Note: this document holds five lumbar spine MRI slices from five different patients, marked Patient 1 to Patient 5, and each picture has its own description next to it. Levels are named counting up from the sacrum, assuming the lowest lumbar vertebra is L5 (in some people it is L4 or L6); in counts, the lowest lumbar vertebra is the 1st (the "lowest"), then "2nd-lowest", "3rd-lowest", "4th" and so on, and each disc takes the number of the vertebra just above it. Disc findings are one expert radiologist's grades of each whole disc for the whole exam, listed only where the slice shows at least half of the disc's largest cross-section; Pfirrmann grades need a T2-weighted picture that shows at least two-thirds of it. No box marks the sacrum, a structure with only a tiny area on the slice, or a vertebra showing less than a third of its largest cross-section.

Patient 1 of 5:
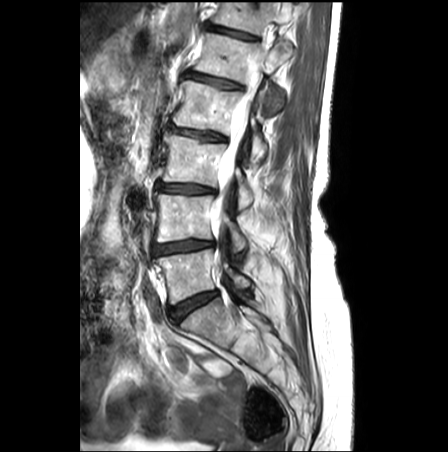
Lumbar spine MR, T2-weighted, sagittal.

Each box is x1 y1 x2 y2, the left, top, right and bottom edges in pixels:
L1 vertebra: 194 33 291 114.
L2 vertebra: 173 80 266 162.
T12 vertebra: 213 2 294 34.
Thecal sac / spinal canal: 212 50 265 228.
T12/L1: 207 24 255 39.
L5/S1: 169 291 217 321.
L2/L3: 170 126 225 141.
L5 vertebra: 157 242 250 304.
L3: 163 132 253 209.
L4/L5: 153 240 213 254.
L1/L2: 185 71 240 89.
L4 vertebra: 154 192 246 251.
L3/L4: 156 182 214 193.

Degenerative findings by level:
• L4/L5: Pfirrmann grade 3, disc bulging, Modic type II, lower-endplate change, disc narrowing, upper-endplate change
• L2/L3: Pfirrmann grade 3, disc narrowing, upper-endplate change, lower-endplate change, disc bulging, Modic type II
• L3/L4: Pfirrmann grade 3, disc bulging, Modic type II, lower-endplate change, disc narrowing, upper-endplate change
• T12/L1: Pfirrmann grade 3, lower-endplate change, upper-endplate change
• L5/S1: Pfirrmann grade 3
• L1/L2: Pfirrmann grade 3, disc bulging, upper-endplate change, lower-endplate change

Patient 2 of 5:
Sagittal T1-weighted lumbar spine MRI | Sagittal slice index 15 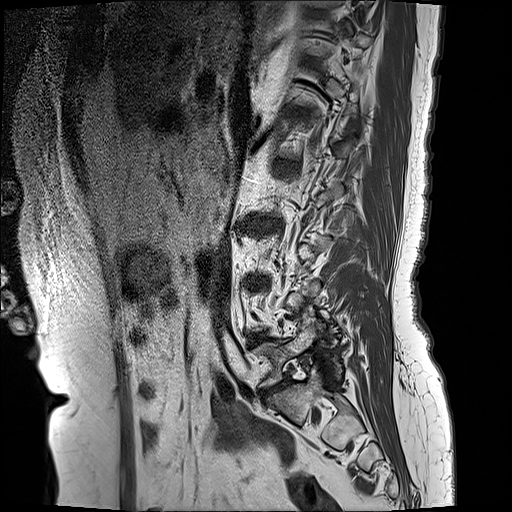

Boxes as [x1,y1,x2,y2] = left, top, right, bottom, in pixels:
L5 (lowest vertebra): [259,325,322,386]
disc T10/T11 (8th disc): [311,10,327,16]
disc L5/S1 (lowest disc): [263,379,288,396]
L1/L2 (5th disc): [278,161,293,170]

Patient 3 of 5:
Field of view 300x300 mm, slice spacing 3.3 mm; Lumbar spine MR, T1-weighted, sagittal; 512x512 px; Sex M
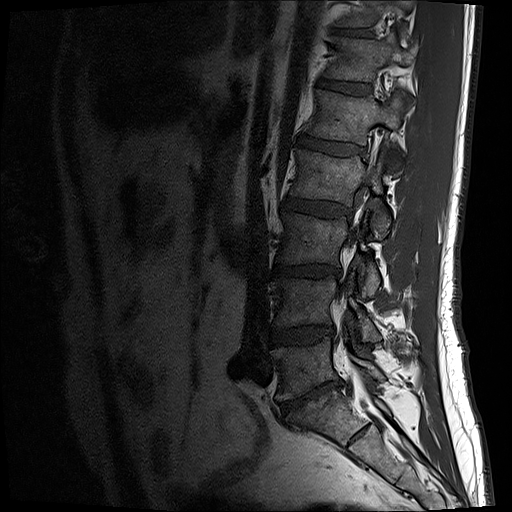

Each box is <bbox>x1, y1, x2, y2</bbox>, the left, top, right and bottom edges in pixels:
4th vertebra — <bbox>290, 150, 390, 238</bbox>.
5th disc — <bbox>298, 136, 365, 155</bbox>.
4th disc — <bbox>283, 198, 350, 217</bbox>.
2nd-lowest vertebra — <bbox>272, 277, 379, 341</bbox>.
3rd-lowest disc — <bbox>272, 265, 340, 277</bbox>.
Lowest disc — <bbox>282, 379, 341, 412</bbox>.
2nd-lowest disc — <bbox>270, 326, 333, 344</bbox>.
6th vertebra — <bbox>326, 38, 417, 81</bbox>.
6th disc — <bbox>320, 79, 371, 94</bbox>.
Lowest vertebra — <bbox>271, 338, 383, 401</bbox>.
7th disc — <bbox>338, 27, 369, 37</bbox>.
3rd-lowest vertebra — <bbox>278, 213, 379, 297</bbox>.
5th vertebra — <bbox>307, 90, 410, 145</bbox>.

Radiological gradings:
• lowest disc: Modic type II, disc narrowing, disc bulging
• 2nd-lowest disc: disc narrowing, disc bulging
• 3rd-lowest disc: disc narrowing, disc bulging, lower-endplate change
• 4th disc: disc bulging
• 5th disc, 6th disc: no spondylolisthesis, narrowing, bulging, herniation, Modic or endplate change recorded

Patient 4 of 5:
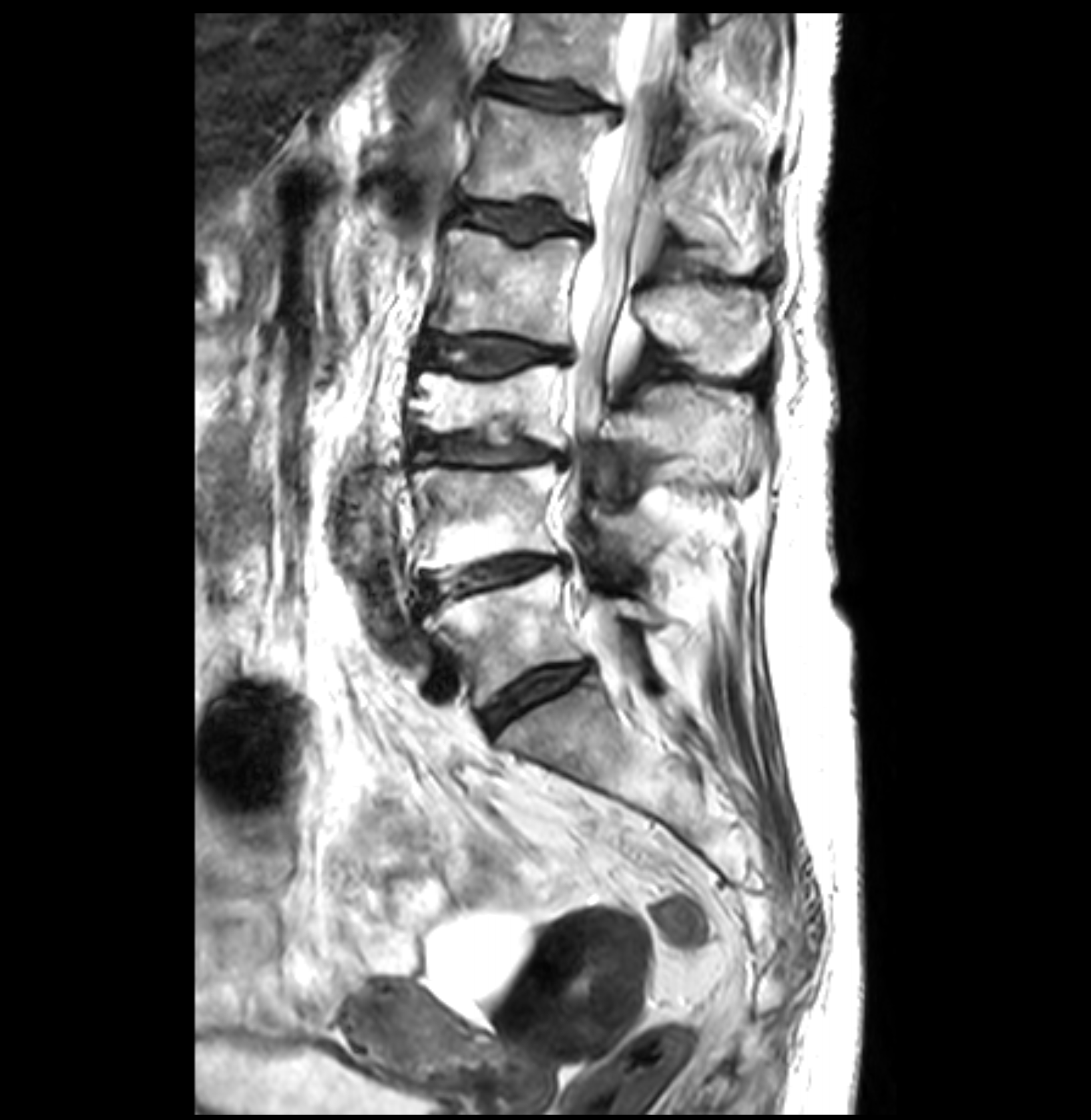
T2-weighted sagittal MRI of the lumbar spine

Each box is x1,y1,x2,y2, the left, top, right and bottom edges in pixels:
{"6th vertebra": "501,13,779,144", "lowest vertebra": "424,566,662,708", "4th disc": "421,336,570,373", "2nd-lowest vertebra": "411,462,660,574", "2nd-lowest disc": "419,556,570,608", "6th disc": "480,67,623,118", "4th vertebra": "429,228,771,375", "3rd-lowest disc": "414,419,562,465", "5th disc": "458,203,591,240", "5th vertebra": "463,98,759,274", "lowest disc": "482,662,589,731", "thecal sac / spinal canal": "560,13,676,520", "3rd-lowest vertebra": "409,364,756,474"}

Radiological gradings:
  3rd-lowest disc: Pfirrmann grade 3, disc narrowing, Modic type II, disc bulging, upper-endplate change
  5th disc: Pfirrmann grade 3, lower-endplate change, upper-endplate change
  lowest disc: Pfirrmann grade 3, disc bulging
  4th disc: Pfirrmann grade 3, Modic type II, disc bulging
  2nd-lowest disc: Pfirrmann grade 3, disc bulging, disc narrowing, Modic type II
  6th disc: Pfirrmann grade 3, upper-endplate change, disc bulging

Patient 5 of 5:
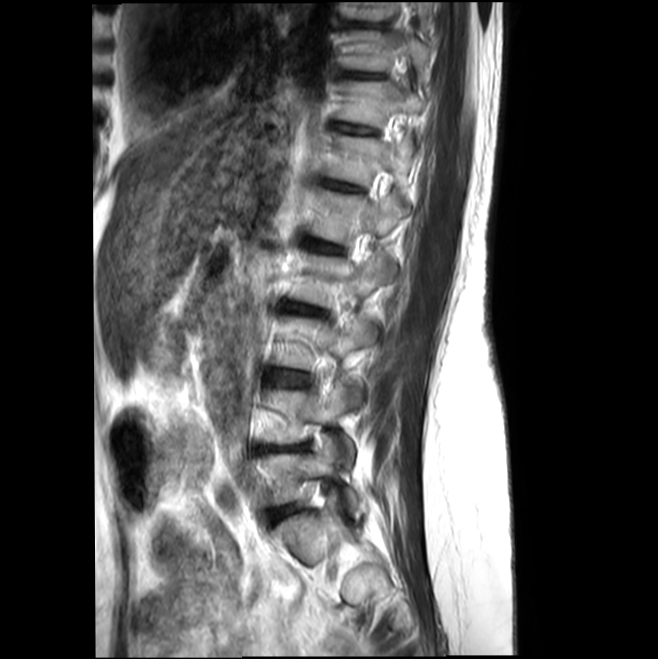 Sagittal T2-weighted lumbar spine MRI

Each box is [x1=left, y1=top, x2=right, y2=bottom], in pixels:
Annotations:
- 7th disc = [x1=337, y1=125, x2=379, y2=135]
- 9th vertebra = [x1=342, y1=2, x2=433, y2=29]
- 9th disc = [x1=347, y1=21, x2=386, y2=28]
- 4th vertebra = [x1=296, y1=251, x2=396, y2=305]
- 3rd-lowest disc = [x1=268, y1=369, x2=308, y2=386]
- 5th disc = [x1=308, y1=240, x2=343, y2=253]
- 2nd-lowest vertebra = [x1=263, y1=379, x2=359, y2=462]
- 6th disc = [x1=329, y1=182, x2=365, y2=191]
- lowest disc = [x1=273, y1=507, x2=294, y2=520]
- 4th disc = [x1=282, y1=303, x2=326, y2=314]
- 2nd-lowest disc = [x1=260, y1=442, x2=308, y2=450]
- 7th vertebra = [x1=337, y1=81, x2=424, y2=127]
- 8th disc = [x1=347, y1=72, x2=381, y2=78]
- 5th vertebra = [x1=312, y1=191, x2=409, y2=243]
- 6th vertebra = [x1=328, y1=134, x2=413, y2=185]
- 8th vertebra = [x1=346, y1=30, x2=429, y2=84]
- lowest vertebra = [x1=260, y1=434, x2=363, y2=517]

Degenerative findings by level:
- 4th disc: disc bulging
- 3rd-lowest disc: disc bulging, Modic type II
- 9th disc: Pfirrmann grade 2
- 8th disc, 7th disc: no herniation, bulging, narrowing, spondylolisthesis, endplate or Modic change recorded